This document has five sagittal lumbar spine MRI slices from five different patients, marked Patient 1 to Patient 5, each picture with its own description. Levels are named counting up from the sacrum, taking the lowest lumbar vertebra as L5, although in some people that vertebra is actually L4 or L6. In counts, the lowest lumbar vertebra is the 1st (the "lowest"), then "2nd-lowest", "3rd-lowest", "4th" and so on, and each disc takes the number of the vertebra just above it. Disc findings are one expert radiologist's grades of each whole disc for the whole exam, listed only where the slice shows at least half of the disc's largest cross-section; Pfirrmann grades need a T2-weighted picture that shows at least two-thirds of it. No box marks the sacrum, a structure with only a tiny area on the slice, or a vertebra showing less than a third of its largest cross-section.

Patient 1 of 5:
448x452 px. Sagittal T1-weighted lumbar spine MRI. Patient sex: F. 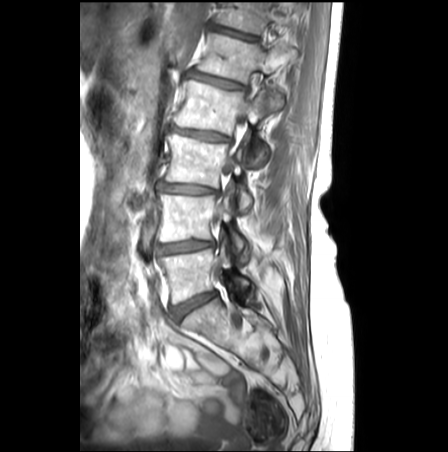
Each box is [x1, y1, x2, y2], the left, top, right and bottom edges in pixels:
Structures:
• 6th disc — [217, 27, 256, 39]
• 4th vertebra — [173, 80, 282, 166]
• 5th vertebra — [197, 33, 296, 83]
• lowest vertebra — [160, 226, 253, 304]
• 2nd-lowest disc — [157, 241, 213, 254]
• spinal canal — [222, 115, 245, 175]
• 3rd-lowest vertebra — [165, 133, 251, 210]
• 2nd-lowest vertebra — [157, 192, 246, 252]
• lowest disc — [172, 292, 215, 318]
• 4th disc — [171, 126, 227, 141]
• 6th vertebra — [219, 2, 292, 33]
• 3rd-lowest disc — [159, 183, 215, 193]
• 5th disc — [187, 71, 243, 89]

Radiological gradings:
- 2nd-lowest disc: disc narrowing, Modic type II, upper-endplate change, lower-endplate change, disc bulging
- 4th disc: Modic type II, lower-endplate change, disc narrowing, upper-endplate change, disc bulging
- 5th disc: lower-endplate change, disc bulging, upper-endplate change
- 3rd-lowest disc: disc narrowing, upper-endplate change, lower-endplate change, disc bulging, Modic type II
- 6th disc: upper-endplate change, lower-endplate change
- lowest disc: no herniation, bulging, narrowing, spondylolisthesis, endplate or Modic change recorded

Patient 2 of 5:
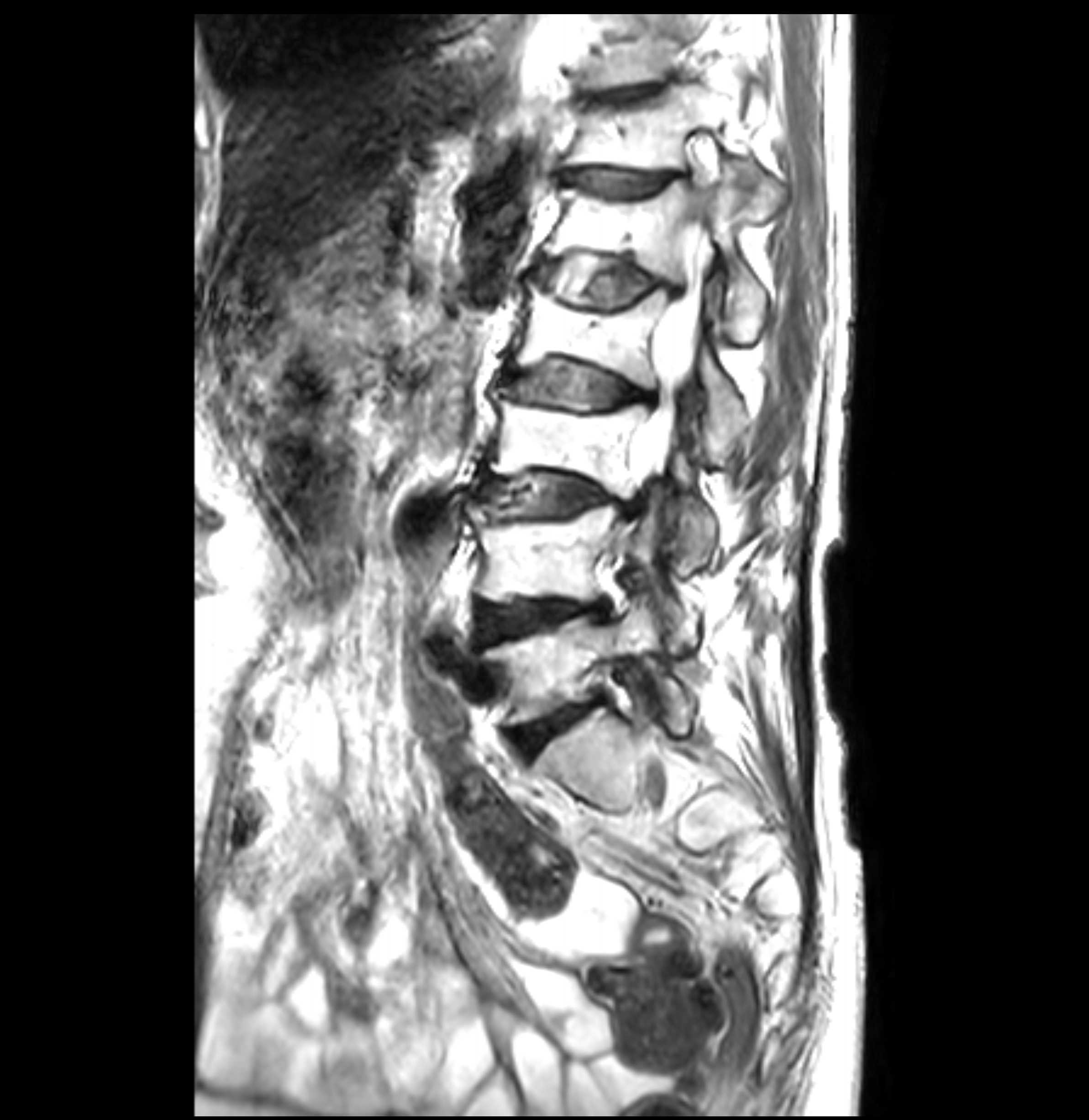 T2-weighted sagittal MRI of the lumbar spine. Slice 21/36.
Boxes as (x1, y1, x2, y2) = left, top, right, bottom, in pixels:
L5/S1 (lowest disc) at (513, 705, 590, 751).
L2 (4th vertebra) at (510, 281, 746, 459).
L4 (2nd-lowest vertebra) at (467, 501, 695, 641).
T12/L1 (6th disc) at (559, 169, 673, 196).
L1/L2 (5th disc) at (535, 258, 675, 307).
L4/L5 (2nd-lowest disc) at (477, 597, 610, 637).
L5 (lowest vertebra) at (486, 599, 692, 733).
L3 (3rd-lowest vertebra) at (484, 386, 714, 564).
Spinal canal at (632, 167, 719, 500).
T12 (6th vertebra) at (562, 83, 787, 221).
Intervertebral disc L3/L4 (3rd-lowest disc) at (479, 473, 639, 515).
Intervertebral disc L2/L3 (4th disc) at (508, 361, 656, 405).
Intervertebral disc T11/T12 (7th disc) at (581, 85, 663, 106).
T11 (7th vertebra) at (581, 12, 675, 91).
L1 (5th vertebra) at (542, 169, 765, 342).

Radiological gradings:
• L1/L2 (5th disc): Pfirrmann grade 3, upper-endplate change, Modic type II, disc bulging, lower-endplate change
• L2/L3 (4th disc): Pfirrmann grade 3, disc bulging, Modic type II, upper-endplate change, lower-endplate change, disc narrowing
• L3/L4 (3rd-lowest disc): Pfirrmann grade 4, lower-endplate change, upper-endplate change, Modic type II, disc narrowing, disc bulging
• T12/L1 (6th disc): Modic type II, lower-endplate change, upper-endplate change
• T11/T12 (7th disc): upper-endplate change, Modic type II, lower-endplate change
• L4/L5 (2nd-lowest disc): Modic type II, upper-endplate change, lower-endplate change, disc bulging

Patient 3 of 5:
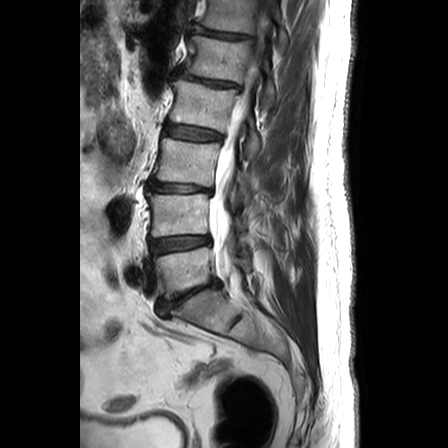

Sex M, Sagittal slice index 14, T2-weighted sagittal MRI of the lumbar spine
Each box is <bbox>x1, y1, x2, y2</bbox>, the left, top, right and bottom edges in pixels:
• L4/L5: <bbox>150, 236, 209, 254</bbox>
• L4: <bbox>147, 193, 244, 236</bbox>
• L2 vertebra: <bbox>169, 79, 261, 158</bbox>
• L1: <bbox>186, 34, 274, 107</bbox>
• L5/S1: <bbox>157, 280, 220, 317</bbox>
• T12 vertebra: <bbox>201, 0, 287, 49</bbox>
• disc T12/L1: <bbox>195, 26, 253, 38</bbox>
• thecal sac / spinal canal: <bbox>209, 8, 269, 276</bbox>
• L5: <bbox>153, 246, 250, 299</bbox>
• L3: <bbox>154, 138, 253, 202</bbox>
• disc L2/L3: <bbox>164, 124, 222, 140</bbox>
• L1/L2: <bbox>177, 70, 239, 88</bbox>
• disc L3/L4: <bbox>149, 181, 211, 193</bbox>

Expert MSK radiologist gradings (per disc):
  L4/L5: Pfirrmann grade 2, disc bulging
  L2/L3: Pfirrmann grade 2
  L5/S1: Pfirrmann grade 5, disc bulging, disc narrowing
  L3/L4: Pfirrmann grade 5, disc narrowing, disc herniation
  T12/L1: Pfirrmann grade 3, disc narrowing, disc bulging
  L1/L2: Pfirrmann grade 3, disc narrowing, disc bulging

Patient 4 of 5:
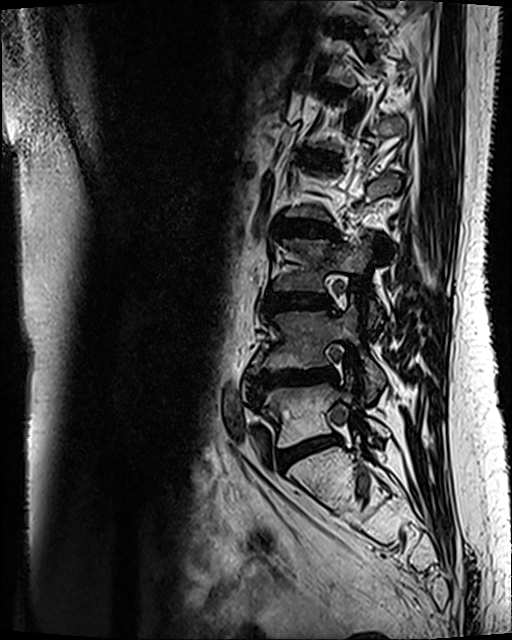 T2 SPACE (3D) sagittal MRI of the lumbar spine; Slice 45/120; Patient sex: F
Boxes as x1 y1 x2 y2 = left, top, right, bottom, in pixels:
3rd-lowest disc at 267 295 333 310.
3rd-lowest vertebra at 273 239 381 325.
2nd-lowest disc at 248 368 336 396.
4th disc at 275 218 334 236.
7th disc at 335 24 354 32.
5th disc at 307 152 338 164.
Lowest disc at 276 436 339 470.
Lowest vertebra at 258 379 389 447.
2nd-lowest vertebra at 252 297 384 400.

Per-level radiological findings:
  3rd-lowest disc: Pfirrmann grade 3, Modic type II, disc bulging
  4th disc: Pfirrmann grade 3, disc bulging, Modic type II
  2nd-lowest disc: Pfirrmann grade 4, upper-endplate change, Modic type II, disc narrowing, disc bulging, lower-endplate change

Patient 5 of 5:
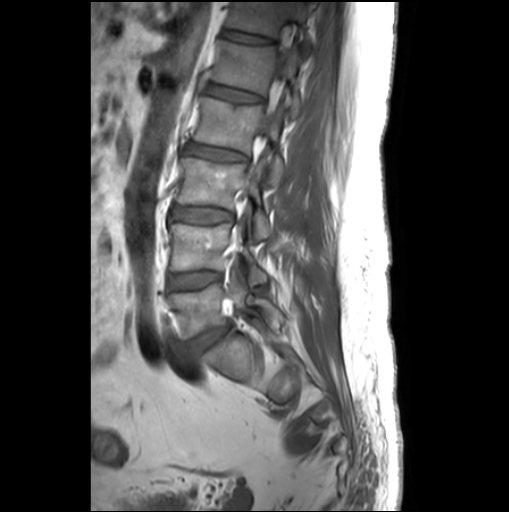

Patient sex: M, T1-weighted sagittal MRI of the lumbar spine, Slice 17 of 26
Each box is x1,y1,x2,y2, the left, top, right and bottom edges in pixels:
Segmented structures:
* disc L4/L5: 168,271,220,289
* L5/S1: 187,324,230,355
* L2/L3: 184,143,247,160
* disc L1/L2: 207,83,262,103
* L4: 169,223,267,284
* L3/L4: 171,206,233,222
* L1: 211,41,302,117
* L2 vertebra: 193,97,285,183
* L3: 175,154,272,238
* L5 vertebra: 168,268,282,337
* T12/L1: 223,29,273,43
* T12: 225,2,309,45

Expert MSK radiologist gradings (per disc):
- L1/L2: lower-endplate change, upper-endplate change
- L5/S1: disc bulging
- L2/L3: disc bulging, lower-endplate change, upper-endplate change
- T12/L1, L4/L5, L3/L4: no herniation, bulging, narrowing, spondylolisthesis, endplate or Modic change recorded